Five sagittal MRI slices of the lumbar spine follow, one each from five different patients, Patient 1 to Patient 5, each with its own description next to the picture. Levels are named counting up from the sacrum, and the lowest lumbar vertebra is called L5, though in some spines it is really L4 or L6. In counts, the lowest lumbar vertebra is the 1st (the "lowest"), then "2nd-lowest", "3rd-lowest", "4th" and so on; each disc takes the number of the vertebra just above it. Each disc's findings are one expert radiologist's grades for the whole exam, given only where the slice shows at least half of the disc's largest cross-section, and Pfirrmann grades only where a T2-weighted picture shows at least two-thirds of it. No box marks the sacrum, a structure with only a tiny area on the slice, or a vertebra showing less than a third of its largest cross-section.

Patient 1 of 5:
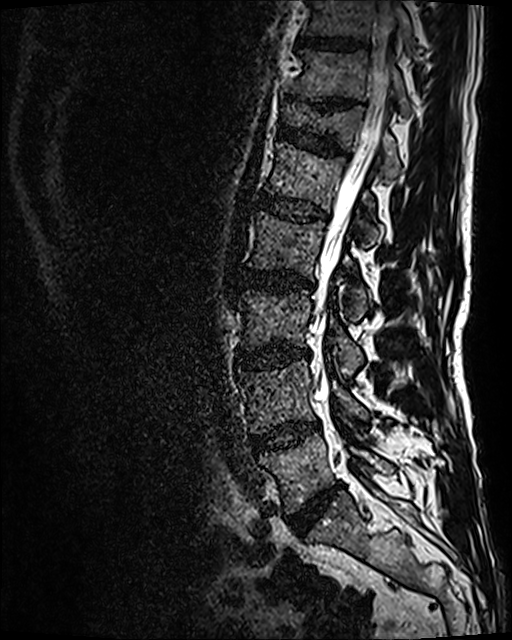 MRI lumbar spine (T2 SPACE (3D)), sagittal plane. Sex M.

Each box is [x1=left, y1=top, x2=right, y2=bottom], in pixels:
Intervertebral disc T10/T11 — [x1=298, y1=37, x2=364, y2=49].
Intervertebral disc T12/L1 — [x1=278, y1=123, x2=347, y2=155].
L2 — [x1=249, y1=211, x2=366, y2=319].
Spinal canal — [x1=310, y1=0, x2=395, y2=454].
Intervertebral disc T11/T12 — [x1=316, y1=100, x2=352, y2=109].
Intervertebral disc L1/L2 — [x1=257, y1=192, x2=327, y2=221].
L3/L4 — [x1=237, y1=347, x2=308, y2=368].
L4 — [x1=239, y1=360, x2=368, y2=433].
L3 vertebra — [x1=241, y1=290, x2=363, y2=378].
Intervertebral disc L5/S1 — [x1=288, y1=485, x2=339, y2=534].
T11 — [x1=288, y1=50, x2=409, y2=114].
T10 — [x1=303, y1=0, x2=414, y2=47].
Intervertebral disc L2/L3 — [x1=237, y1=269, x2=314, y2=291].
L5 vertebra — [x1=259, y1=432, x2=393, y2=513].
L1 — [x1=266, y1=142, x2=379, y2=246].
T12 — [x1=282, y1=102, x2=399, y2=181].
Intervertebral disc L4/L5 — [x1=252, y1=423, x2=318, y2=452].

Degenerative findings by level:
  T12/L1: Pfirrmann grade 3, upper-endplate change, lower-endplate change
  L5/S1: Pfirrmann grade 4, disc narrowing, disc bulging
  T10/T11: Pfirrmann grade 3
  L3/L4: Pfirrmann grade 4, disc narrowing, disc bulging, Modic type II
  T11/T12: lower-endplate change, disc narrowing, upper-endplate change
  L1/L2: Pfirrmann grade 3
  L4/L5: Pfirrmann grade 3, disc bulging, Modic type II
  L2/L3: Pfirrmann grade 3, Modic type II, disc bulging

Patient 2 of 5:
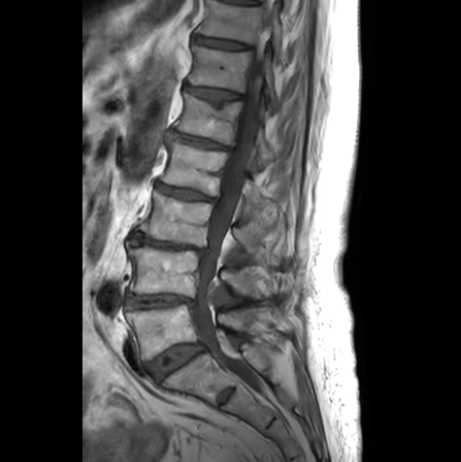 Slice 12/24. MRI lumbar spine (T1-weighted), sagittal plane.

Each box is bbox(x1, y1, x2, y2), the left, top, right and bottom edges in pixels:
T12 vertebra: bbox(189, 44, 278, 110).
Disc L4/L5: bbox(126, 293, 192, 308).
L2 vertebra: bbox(161, 141, 262, 213).
T12/L1: bbox(187, 85, 238, 100).
Thecal sac / spinal canal: bbox(194, 2, 272, 392).
Disc L3/L4: bbox(130, 230, 205, 253).
L3: bbox(139, 188, 260, 258).
T11: bbox(197, 0, 282, 53).
L1 vertebra: bbox(174, 92, 274, 164).
Disc L2/L3: bbox(156, 181, 215, 200).
L5: bbox(126, 303, 243, 359).
L4: bbox(129, 246, 256, 296).
Disc L1/L2: bbox(168, 130, 229, 149).
Disc L5/S1: bbox(145, 343, 204, 379).
T11/T12: bbox(194, 36, 248, 49).

Degenerative findings by level:
  L3/L4: disc narrowing, upper-endplate change, lower-endplate change, Modic type II
  L4/L5: disc narrowing, Modic type II
  T12/L1: upper-endplate change
  L1/L2: disc narrowing, disc bulging, upper-endplate change, lower-endplate change
  L5/S1: Modic type II
  L2/L3: disc narrowing, upper-endplate change, lower-endplate change
  T11/T12: no Modic or endplate change, herniation, narrowing, bulging or spondylolisthesis recorded

Patient 3 of 5:
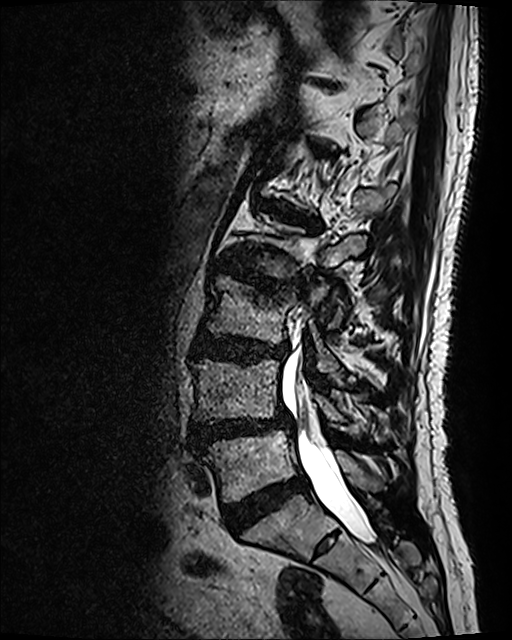 T2 SPACE (3D) sagittal MRI of the lumbar spine
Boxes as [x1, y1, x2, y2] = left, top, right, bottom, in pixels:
{"disc L5/S1 (lowest disc)": "[224, 475, 308, 528]", "L1/L2 (5th disc)": "[260, 201, 314, 226]", "spinal canal": "[282, 324, 375, 543]", "L4/L5 (2nd-lowest disc)": "[190, 412, 291, 448]", "L4 (2nd-lowest vertebra)": "[193, 358, 344, 422]", "L5 (lowest vertebra)": "[200, 429, 382, 501]", "disc L2/L3 (4th disc)": "[216, 260, 299, 286]", "L3 (3rd-lowest vertebra)": "[206, 275, 338, 371]", "L3/L4 (3rd-lowest disc)": "[194, 333, 286, 361]"}

Per-level radiological findings:
- L5/S1 (lowest disc): Pfirrmann grade 4
- L4/L5 (2nd-lowest disc): Pfirrmann grade 4, spondylolisthesis, disc narrowing, disc herniation, disc bulging, Modic type II, lower-endplate change, upper-endplate change
- L3/L4 (3rd-lowest disc): Pfirrmann grade 4, lower-endplate change, disc bulging, upper-endplate change
- L1/L2 (5th disc): disc bulging, lower-endplate change, upper-endplate change, Modic type II

Patient 4 of 5:
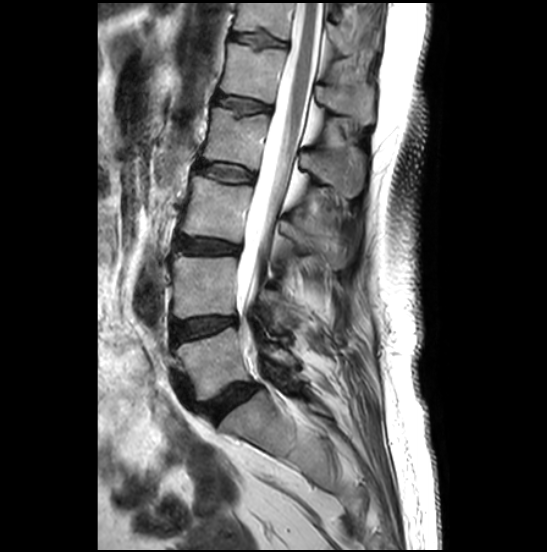 Sagittal T2-weighted lumbar spine MRI
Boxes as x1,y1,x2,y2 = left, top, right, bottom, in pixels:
T12 = 233,3,379,57.
Disc L5/S1 = 203,383,258,421.
Disc L2/L3 = 198,163,253,182.
Spinal canal = 237,3,323,350.
L2 vertebra = 203,107,363,196.
L3 = 180,176,347,269.
L1 = 221,43,374,124.
T12/L1 = 231,33,285,46.
L1/L2 = 215,94,270,113.
L5 vertebra = 175,327,297,400.
L4 vertebra = 172,253,296,328.
Disc L4/L5 = 173,316,236,340.
L3/L4 = 176,238,238,253.

Expert MSK radiologist gradings (per disc):
  L1/L2: Pfirrmann grade 2, upper-endplate change
  T12/L1: Pfirrmann grade 2, upper-endplate change, lower-endplate change
  L3/L4: Pfirrmann grade 4, disc bulging
  L4/L5: Pfirrmann grade 3, disc bulging
  L5/S1: Pfirrmann grade 4, disc bulging
  L2/L3: Pfirrmann grade 2

Patient 5 of 5:
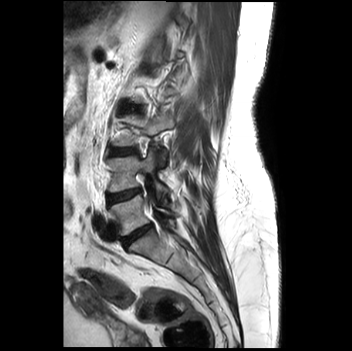 Sagittal T2-weighted lumbar spine MRI; Slice 23/35

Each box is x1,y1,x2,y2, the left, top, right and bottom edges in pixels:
L3/L4 (3rd-lowest disc) at 109,148,137,156.
L4/L5 (2nd-lowest disc) at 107,187,141,205.
IVD L5/S1 (lowest disc) at 121,223,152,246.
L4 (2nd-lowest vertebra) at 108,148,169,200.
L5 (lowest vertebra) at 109,195,175,235.
L3 (3rd-lowest vertebra) at 113,113,173,169.

Per-level radiological findings:
  L5/S1 (lowest disc): Pfirrmann grade 4, disc narrowing, upper-endplate change, Modic type II, lower-endplate change
  L4/L5 (2nd-lowest disc): Pfirrmann grade 2
  L3/L4 (3rd-lowest disc): no Modic or endplate change, herniation, narrowing, bulging or spondylolisthesis recorded